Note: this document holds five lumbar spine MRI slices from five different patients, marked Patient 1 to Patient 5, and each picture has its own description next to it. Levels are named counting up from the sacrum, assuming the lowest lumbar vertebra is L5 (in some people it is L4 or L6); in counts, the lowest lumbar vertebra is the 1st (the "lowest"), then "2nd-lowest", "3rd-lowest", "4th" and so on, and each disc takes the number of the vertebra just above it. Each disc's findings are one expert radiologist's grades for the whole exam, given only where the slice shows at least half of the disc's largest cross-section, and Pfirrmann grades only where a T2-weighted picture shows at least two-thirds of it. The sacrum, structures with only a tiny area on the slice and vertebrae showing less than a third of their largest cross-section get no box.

Patient 1 of 5:
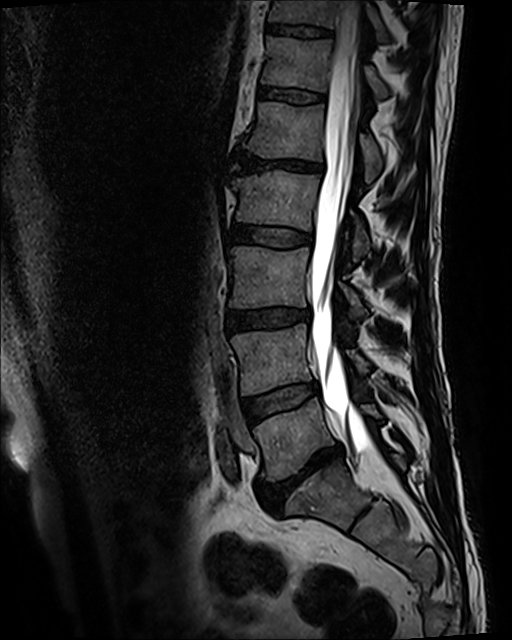
Sagittal slice index 70, Field of view 240x300 mm, slice spacing 0.9 mm, Lumbar spine MR, T2 SPACE (3D), sagittal
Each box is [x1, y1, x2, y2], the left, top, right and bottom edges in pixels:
3rd-lowest vertebra: [228, 246, 365, 317].
7th vertebra: [269, 0, 384, 38].
6th disc: [259, 85, 324, 102].
3rd-lowest disc: [227, 308, 311, 331].
2nd-lowest vertebra: [231, 323, 369, 394].
4th disc: [229, 222, 312, 246].
2nd-lowest disc: [242, 382, 318, 421].
7th disc: [267, 25, 330, 36].
4th vertebra: [231, 170, 369, 261].
5th vertebra: [244, 101, 381, 182].
Lowest vertebra: [254, 397, 380, 481].
6th vertebra: [261, 36, 388, 97].
Lowest disc: [257, 444, 343, 510].
Thecal sac / spinal canal: [309, 0, 378, 462].
5th disc: [238, 151, 322, 172].

Radiological gradings:
• 2nd-lowest disc: Pfirrmann grade 3, Modic type II
• 3rd-lowest disc: Pfirrmann grade 3, upper-endplate change, disc bulging, lower-endplate change
• 4th disc: Pfirrmann grade 3
• 5th disc: Pfirrmann grade 5, disc narrowing, upper-endplate change, disc bulging, Modic type II, lower-endplate change
• 6th disc: Pfirrmann grade 3
• 7th disc: Pfirrmann grade 3, lower-endplate change, upper-endplate change
• lowest disc: Pfirrmann grade 5, Modic type II, disc narrowing, lower-endplate change, disc bulging, upper-endplate change

Patient 2 of 5:
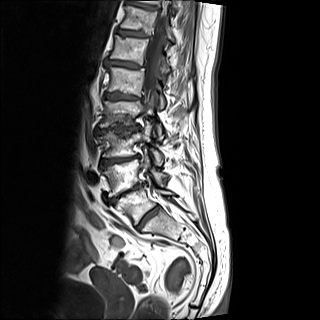 Lumbar spine MR, T1-weighted, sagittal

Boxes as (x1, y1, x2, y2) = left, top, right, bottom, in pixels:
3rd-lowest vertebra at (98, 121, 163, 165), lowest disc at (136, 205, 159, 229), 8th disc at (125, 1, 156, 9), 6th disc at (105, 60, 144, 68), thecal sac / spinal canal at (143, 1, 167, 106), 7th vertebra at (120, 5, 192, 46), 8th vertebra at (136, 0, 178, 12), 5th vertebra at (106, 66, 165, 108), 2nd-lowest vertebra at (101, 157, 167, 196), 4th disc at (97, 125, 139, 132), 4th vertebra at (99, 100, 163, 139), 2nd-lowest disc at (108, 183, 144, 203), 7th disc at (116, 28, 149, 37), lowest vertebra at (115, 187, 173, 225), 3rd-lowest disc at (101, 156, 137, 167), 5th disc at (103, 92, 142, 100), 6th vertebra at (109, 35, 170, 73).

Per-level radiological findings:
• 4th disc: Modic type II, upper-endplate change, disc bulging, disc narrowing, lower-endplate change
• 8th disc: disc bulging
• 2nd-lowest disc: disc bulging, upper-endplate change, disc narrowing, Modic type II, lower-endplate change
• 6th disc: disc narrowing, upper-endplate change, disc bulging, Modic type II, lower-endplate change
• lowest disc: upper-endplate change, disc bulging, lower-endplate change, Modic type II, disc narrowing
• 3rd-lowest disc: Modic type II, upper-endplate change, disc bulging, lower-endplate change, disc narrowing
• 7th disc: upper-endplate change, lower-endplate change, Modic type II, disc bulging
• 5th disc: disc bulging, disc narrowing, lower-endplate change, upper-endplate change, Modic type II

Patient 3 of 5:
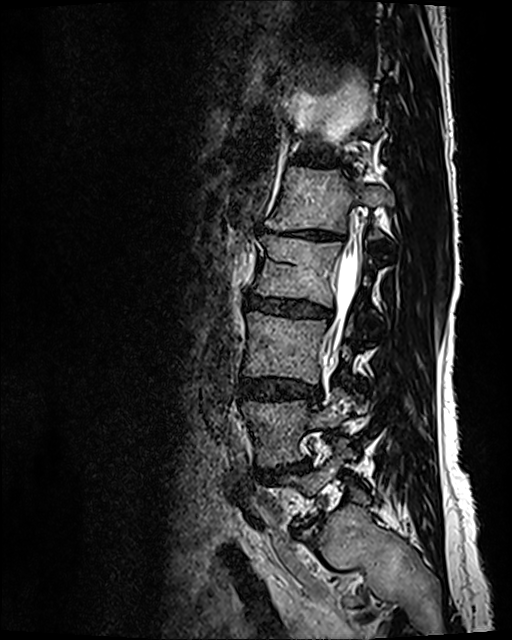 Slice 41/120; Patient sex: F; Lumbar spine MR, T2 SPACE (3D), sagittal
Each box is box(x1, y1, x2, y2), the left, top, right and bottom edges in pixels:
Disc T12/L1 (6th disc) at box(297, 154, 334, 166); disc L2/L3 (4th disc) at box(248, 295, 332, 319); L3/L4 (3rd-lowest disc) at box(240, 378, 320, 402); L2 (4th vertebra) at box(253, 235, 374, 315); L4/L5 (2nd-lowest disc) at box(256, 463, 308, 477); L1 (5th vertebra) at box(274, 166, 393, 231); thecal sac / spinal canal at box(327, 253, 356, 355); disc L1/L2 (5th disc) at box(265, 225, 344, 242); L3 (3rd-lowest vertebra) at box(245, 312, 355, 384); L4 (2nd-lowest vertebra) at box(243, 386, 363, 466).

Degenerative findings by level:
• L3/L4 (3rd-lowest disc): Pfirrmann grade 3, disc bulging
• L1/L2 (5th disc): Pfirrmann grade 5, disc narrowing, disc bulging, lower-endplate change, Modic type II, upper-endplate change
• L2/L3 (4th disc): Pfirrmann grade 3, disc bulging, disc narrowing

Patient 4 of 5:
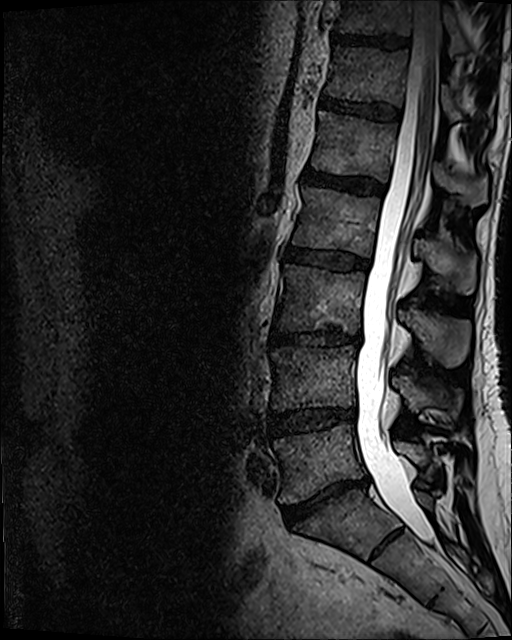 Sagittal T2 SPACE (3D) lumbar spine MRI

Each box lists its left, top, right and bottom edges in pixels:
Structures:
• thecal sac / spinal canal at left=356, top=1, right=440, bottom=543
• T12 at left=325, top=46, right=462, bottom=120
• L4 at left=272, top=346, right=461, bottom=419
• L5 at left=274, top=423, right=428, bottom=503
• disc L5/S1 at left=283, top=476, right=367, bottom=521
• L2 at left=292, top=187, right=475, bottom=293
• T11 at left=335, top=0, right=469, bottom=57
• L2/L3 at left=287, top=248, right=368, bottom=270
• L3 vertebra at left=276, top=264, right=471, bottom=367
• L3/L4 at left=272, top=330, right=361, bottom=346
• L1 at left=312, top=111, right=487, bottom=207
• L4/L5 at left=270, top=408, right=355, bottom=432
• T11/T12 at left=331, top=32, right=408, bottom=49
• disc L1/L2 at left=303, top=169, right=383, bottom=194
• T12/L1 at left=321, top=96, right=399, bottom=119

Degenerative findings by level:
  L4/L5: Pfirrmann grade 3, disc bulging, disc narrowing
  L1/L2: Pfirrmann grade 4
  L2/L3: Pfirrmann grade 3, disc bulging
  L3/L4: Pfirrmann grade 4, lower-endplate change, disc bulging, disc narrowing
  T11/T12: Pfirrmann grade 4
  T12/L1: Pfirrmann grade 3
  L5/S1: Pfirrmann grade 5, Modic type II, disc narrowing, disc bulging

Patient 5 of 5:
Image 320x320, Lumbar spine MR, T1-weighted, sagittal
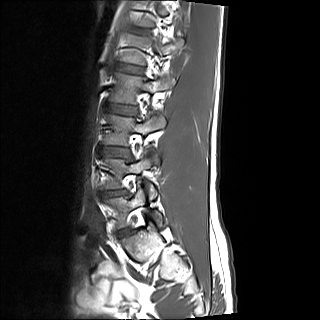 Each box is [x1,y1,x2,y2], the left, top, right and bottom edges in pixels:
L3 vertebra = [104,112,165,162].
L5 = [106,186,162,228].
L4/L5 = [100,190,125,198].
L5/S1 = [118,228,131,235].
L2/L3 = [105,102,136,115].
L4 = [101,155,156,198].
L2 vertebra = [110,72,175,104].
L3/L4 = [101,147,128,157].
L1/L2 = [114,62,144,74].

Degenerative findings by level:
  L1/L2, L3/L4, L2/L3: no herniation, bulging, narrowing, spondylolisthesis, endplate or Modic change recorded